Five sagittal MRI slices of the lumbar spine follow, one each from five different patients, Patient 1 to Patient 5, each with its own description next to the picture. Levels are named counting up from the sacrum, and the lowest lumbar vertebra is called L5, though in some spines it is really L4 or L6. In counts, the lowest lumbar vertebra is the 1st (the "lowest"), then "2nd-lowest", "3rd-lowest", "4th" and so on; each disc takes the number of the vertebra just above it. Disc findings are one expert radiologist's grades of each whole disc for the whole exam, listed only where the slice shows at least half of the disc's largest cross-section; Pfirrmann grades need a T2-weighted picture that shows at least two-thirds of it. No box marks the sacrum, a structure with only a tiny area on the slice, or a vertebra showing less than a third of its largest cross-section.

Patient 1 of 5:
512x640 px. Field of view 240x300 mm, slice spacing 0.9 mm. Sagittal T2 SPACE (3D) lumbar spine MRI. Sex M.

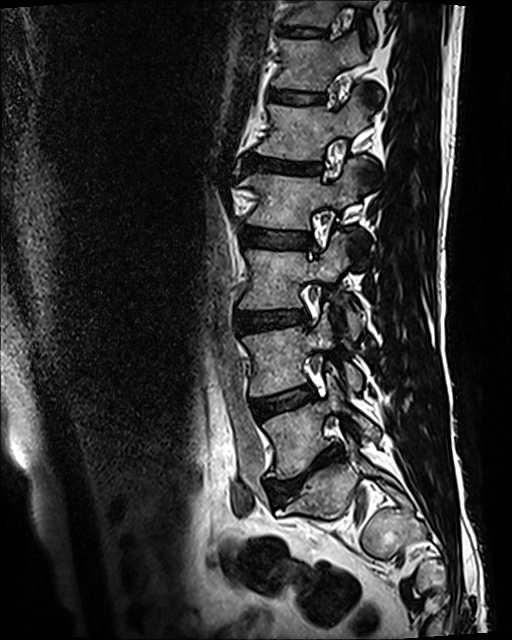

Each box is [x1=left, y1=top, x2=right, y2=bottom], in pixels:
Segmented structures:
* L5/S1 (lowest disc) = [x1=267, y1=443, x2=344, y2=502]
* T12 (6th vertebra) = [x1=272, y1=33, x2=379, y2=94]
* IVD L1/L2 (5th disc) = [x1=244, y1=155, x2=321, y2=175]
* L5 (lowest vertebra) = [x1=263, y1=378, x2=379, y2=477]
* IVD L3/L4 (3rd-lowest disc) = [x1=236, y1=308, x2=307, y2=332]
* L2/L3 (4th disc) = [x1=240, y1=228, x2=313, y2=248]
* L3 (3rd-lowest vertebra) = [x1=240, y1=233, x2=360, y2=338]
* L2 (4th vertebra) = [x1=242, y1=160, x2=366, y2=229]
* L1 (5th vertebra) = [x1=256, y1=94, x2=370, y2=159]
* IVD L4/L5 (2nd-lowest disc) = [x1=252, y1=384, x2=314, y2=416]
* L4 (2nd-lowest vertebra) = [x1=243, y1=314, x2=363, y2=396]
* T11 (7th vertebra) = [x1=286, y1=0, x2=372, y2=29]
* IVD T12/L1 (6th disc) = [x1=270, y1=89, x2=324, y2=104]
* T11/T12 (7th disc) = [x1=280, y1=28, x2=327, y2=37]

Degenerative findings by level:
• L1/L2 (5th disc): Pfirrmann grade 5, upper-endplate change, disc bulging, lower-endplate change, disc narrowing, Modic type II
• L4/L5 (2nd-lowest disc): Modic type II
• T11/T12 (7th disc): lower-endplate change, upper-endplate change
• L2/L3 (4th disc): Pfirrmann grade 3
• L5/S1 (lowest disc): Pfirrmann grade 5, disc narrowing, disc bulging, lower-endplate change, upper-endplate change, Modic type II
• T12/L1 (6th disc): Pfirrmann grade 3
• L3/L4 (3rd-lowest disc): Pfirrmann grade 3, lower-endplate change, upper-endplate change, disc bulging

Patient 2 of 5:
MRI lumbar spine (T2 SPACE (3D)), sagittal plane. Slice 63/120.
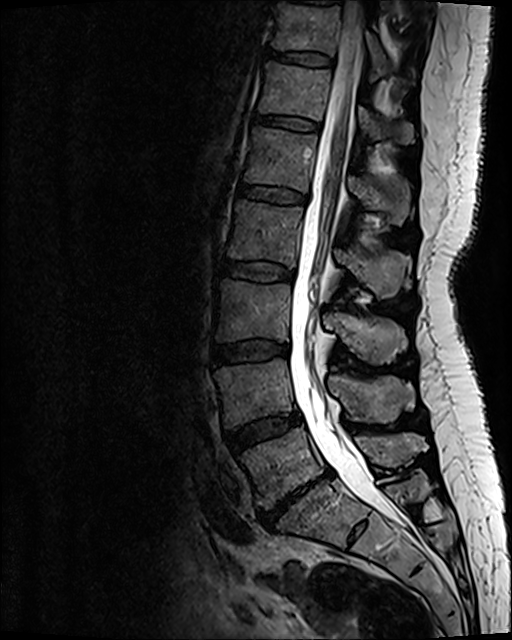 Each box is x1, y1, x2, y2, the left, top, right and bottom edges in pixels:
IVD L3/L4 — 212, 339, 288, 364.
L1 — 244, 128, 409, 225.
T12/L1 — 255, 115, 318, 131.
L5 — 240, 427, 426, 508.
L3 vertebra — 216, 281, 406, 363.
L2/L3 — 219, 260, 293, 280.
T11/T12 — 268, 50, 330, 65.
Thecal sac / spinal canal — 290, 1, 405, 524.
L4/L5 — 226, 412, 301, 451.
L4 — 216, 358, 414, 426.
L2 — 228, 201, 408, 300.
T11 — 272, 4, 388, 72.
T12 vertebra — 259, 63, 413, 143.
L5/S1 — 257, 470, 331, 526.
L1/L2 — 239, 184, 306, 204.

Degenerative findings by level:
• L1/L2: Pfirrmann grade 2
• L3/L4: Pfirrmann grade 2, disc bulging
• T11/T12: Pfirrmann grade 2
• L5/S1: Pfirrmann grade 5, disc narrowing, lower-endplate change, Modic type III, upper-endplate change, disc herniation, disc bulging
• T12/L1: Pfirrmann grade 2
• L2/L3: Pfirrmann grade 2
• L4/L5: Pfirrmann grade 3, disc bulging

Patient 3 of 5:
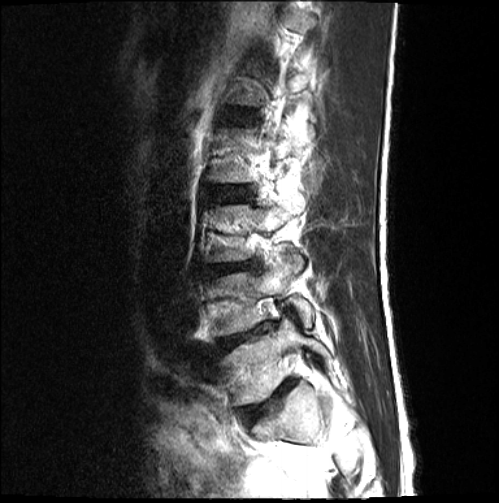 Image 499x503; Sex M; T2-weighted sagittal MRI of the lumbar spine

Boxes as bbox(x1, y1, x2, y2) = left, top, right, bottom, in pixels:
2nd-lowest vertebra — bbox(217, 255, 314, 335) | lowest disc — bbox(251, 381, 294, 417) | 3rd-lowest disc — bbox(214, 265, 246, 273) | lowest vertebra — bbox(224, 319, 333, 403) | 4th disc — bbox(217, 187, 246, 197) | 2nd-lowest disc — bbox(220, 323, 269, 349)

Patient 4 of 5:
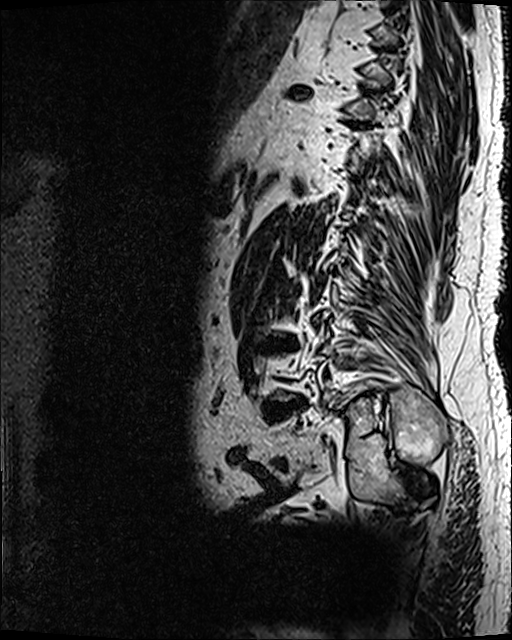 Sagittal slice index 29. Lumbar spine MR, T2 SPACE (3D), sagittal.
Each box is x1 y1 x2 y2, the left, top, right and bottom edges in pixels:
Disc T10/T11: 289 85 310 97.
L4/L5: 261 400 305 421.
Disc L3/L4: 261 336 297 351.

Patient 5 of 5:
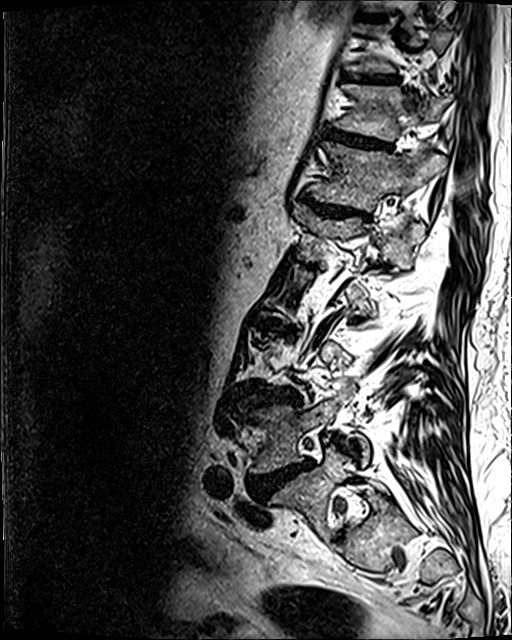 T2 SPACE (3D) sagittal MRI of the lumbar spine; Field of view 240x300 mm
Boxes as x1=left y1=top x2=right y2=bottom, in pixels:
Annotations:
• T12: x1=311 y1=141 x2=445 y2=211
• disc T11/T12: x1=326 y1=130 x2=389 y2=149
• L3/L4: x1=255 y1=391 x2=294 y2=404
• disc T12/L1: x1=306 y1=197 x2=367 y2=217
• disc T10/T11: x1=348 y1=75 x2=396 y2=82
• T11 vertebra: x1=332 y1=84 x2=448 y2=140
• L4 vertebra: x1=252 y1=383 x2=370 y2=473
• L5 vertebra: x1=270 y1=444 x2=384 y2=539
• L4/L5: x1=250 y1=461 x2=310 y2=498
• L1 vertebra: x1=294 y1=203 x2=425 y2=259

Per-level radiological findings:
- T11/T12: upper-endplate change, disc narrowing, lower-endplate change, disc bulging
- L4/L5: Pfirrmann grade 5, Modic type II, disc herniation, disc narrowing, lower-endplate change, upper-endplate change, disc bulging